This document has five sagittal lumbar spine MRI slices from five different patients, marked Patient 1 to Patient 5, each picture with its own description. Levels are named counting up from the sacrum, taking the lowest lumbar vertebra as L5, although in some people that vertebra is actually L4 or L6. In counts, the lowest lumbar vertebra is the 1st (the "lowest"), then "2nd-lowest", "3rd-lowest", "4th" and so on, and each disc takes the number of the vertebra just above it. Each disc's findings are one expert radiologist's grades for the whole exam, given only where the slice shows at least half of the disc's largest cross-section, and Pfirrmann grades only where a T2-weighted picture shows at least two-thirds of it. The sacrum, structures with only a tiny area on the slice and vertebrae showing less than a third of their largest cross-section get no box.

Patient 1 of 5:
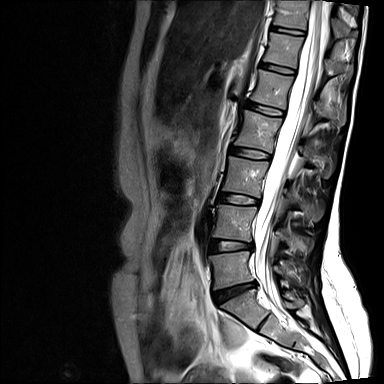 Lumbar spine MR, T2-weighted, sagittal

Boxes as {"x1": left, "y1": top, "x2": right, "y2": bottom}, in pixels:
- 6th disc: {"x1": 260, "y1": 63, "x2": 293, "y2": 73}
- 5th vertebra: {"x1": 251, "y1": 69, "x2": 346, "y2": 126}
- 7th vertebra: {"x1": 272, "y1": 0, "x2": 358, "y2": 37}
- 5th disc: {"x1": 246, "y1": 100, "x2": 282, "y2": 115}
- 7th disc: {"x1": 270, "y1": 26, "x2": 304, "y2": 34}
- 2nd-lowest vertebra: {"x1": 212, "y1": 203, "x2": 312, "y2": 254}
- 4th vertebra: {"x1": 234, "y1": 110, "x2": 332, "y2": 176}
- lowest vertebra: {"x1": 209, "y1": 250, "x2": 302, "y2": 288}
- 3rd-lowest vertebra: {"x1": 223, "y1": 155, "x2": 324, "y2": 220}
- 3rd-lowest disc: {"x1": 218, "y1": 193, "x2": 258, "y2": 204}
- 2nd-lowest disc: {"x1": 210, "y1": 238, "x2": 251, "y2": 250}
- 6th vertebra: {"x1": 263, "y1": 32, "x2": 353, "y2": 74}
- 4th disc: {"x1": 230, "y1": 146, "x2": 269, "y2": 159}
- thecal sac / spinal canal: {"x1": 254, "y1": 0, "x2": 330, "y2": 298}
- lowest disc: {"x1": 215, "y1": 283, "x2": 256, "y2": 298}

Degenerative findings by level:
• 7th disc: Pfirrmann grade 2
• 3rd-lowest disc: Pfirrmann grade 2
• 6th disc: Pfirrmann grade 2
• 2nd-lowest disc: Pfirrmann grade 3, disc narrowing
• 4th disc: Pfirrmann grade 2
• lowest disc: Pfirrmann grade 4, Modic type II, disc bulging, disc narrowing, disc herniation
• 5th disc: Pfirrmann grade 2

Patient 2 of 5:
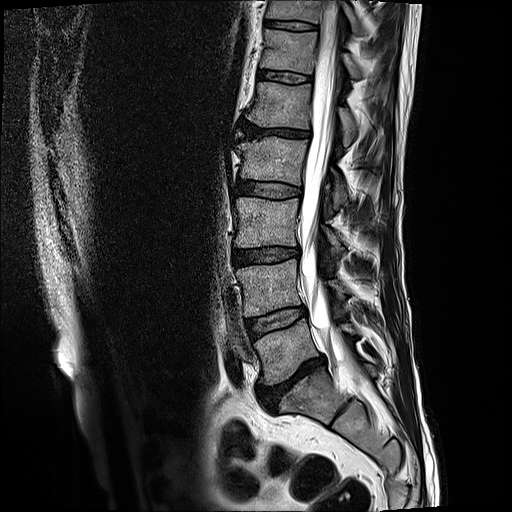

T2-weighted sagittal MRI of the lumbar spine.

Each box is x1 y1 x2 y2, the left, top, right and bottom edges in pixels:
L4 — 236 258 346 315.
L1 — 246 81 356 145.
T12/L1 — 258 68 310 81.
T11/T12 — 265 20 315 29.
Spinal canal — 298 0 353 369.
IVD L1/L2 — 242 121 309 137.
IVD L3/L4 — 233 246 300 265.
L5 vertebra — 254 318 355 385.
IVD L4/L5 — 245 306 305 337.
T12 — 260 29 361 77.
L2 — 236 136 346 209.
L2/L3 — 234 178 301 197.
L3 — 234 197 343 253.
T11 vertebra — 266 0 358 30.
IVD L5/S1 — 257 355 325 408.

Radiological gradings:
• T11/T12: Pfirrmann grade 3, lower-endplate change, upper-endplate change
• L1/L2: Pfirrmann grade 5, lower-endplate change, Modic type II, upper-endplate change, disc narrowing, disc bulging
• L5/S1: Pfirrmann grade 5, Modic type II, upper-endplate change, disc bulging, disc narrowing, lower-endplate change
• L3/L4: Pfirrmann grade 3, lower-endplate change, upper-endplate change, disc bulging
• T12/L1: Pfirrmann grade 3
• L4/L5: Pfirrmann grade 3, Modic type II
• L2/L3: Pfirrmann grade 3

Patient 3 of 5:
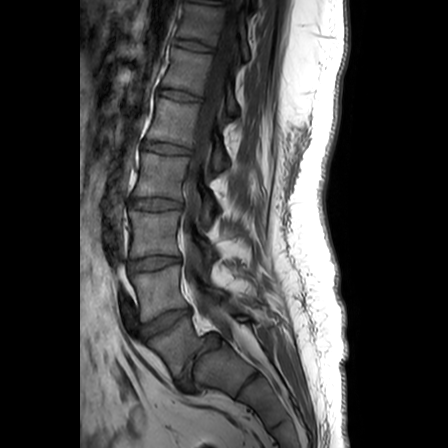 T1-weighted sagittal MRI of the lumbar spine | Field of view 280x280 mm | Image 448x448

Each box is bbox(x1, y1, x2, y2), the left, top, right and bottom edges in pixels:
Structures:
* 5th disc at bbox(145, 142, 190, 154)
* 4th disc at bbox(130, 198, 181, 210)
* 7th vertebra at bbox(177, 3, 249, 59)
* lowest disc at bbox(177, 334, 220, 388)
* 2nd-lowest vertebra at bbox(131, 265, 227, 321)
* 7th disc at bbox(175, 39, 212, 51)
* 5th vertebra at bbox(148, 98, 228, 169)
* lowest vertebra at bbox(148, 311, 253, 378)
* spinal canal at bbox(181, 2, 243, 347)
* 6th disc at bbox(159, 89, 200, 100)
* 3rd-lowest disc at bbox(129, 256, 180, 272)
* 2nd-lowest disc at bbox(142, 308, 191, 338)
* 4th vertebra at bbox(134, 152, 215, 223)
* 3rd-lowest vertebra at bbox(129, 210, 217, 257)
* 6th vertebra at bbox(162, 48, 238, 113)

Radiological gradings:
  lowest disc: disc narrowing, lower-endplate change, disc bulging, spondylolisthesis
  2nd-lowest disc: disc bulging
  6th disc, 5th disc, 7th disc, 4th disc, 3rd-lowest disc: no Modic or endplate change, herniation, narrowing, bulging or spondylolisthesis recorded

Patient 4 of 5:
Field of view 240x300 mm, slice spacing 0.9 mm | Image 512x640 | Sagittal T2 SPACE (3D) lumbar spine MRI
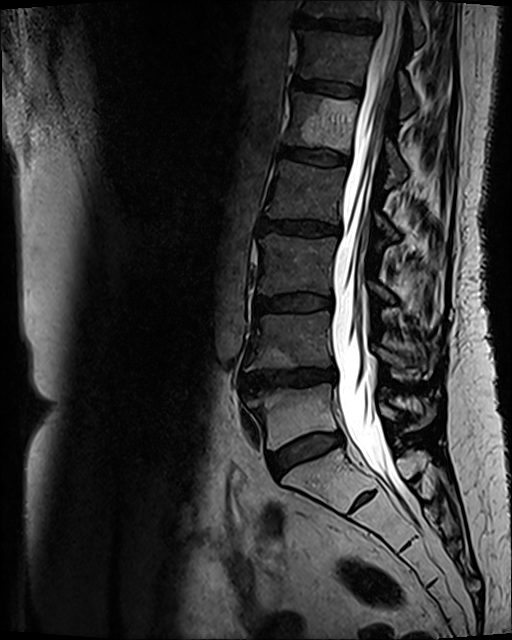

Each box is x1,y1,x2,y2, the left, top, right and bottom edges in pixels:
IVD L5/S1 (lowest disc) at 269,432,343,475; L1 (5th vertebra) at 285,92,407,188; L2 (4th vertebra) at 266,161,396,246; L3/L4 (3rd-lowest disc) at 256,296,331,312; IVD T12/L1 (6th disc) at 293,79,361,96; L1/L2 (5th disc) at 280,148,348,164; spinal canal at 331,0,405,489; T11 (7th vertebra) at 303,0,423,45; T12 (6th vertebra) at 300,31,415,117; L4 (2nd-lowest vertebra) at 244,311,436,371; L2/L3 (4th disc) at 260,221,339,235; IVD T11/T12 (7th disc) at 299,17,377,33; L5 (lowest vertebra) at 247,384,436,448; L3 (3rd-lowest vertebra) at 258,234,394,302; L4/L5 (2nd-lowest disc) at 242,367,335,394.

Degenerative findings by level:
  L2/L3 (4th disc): Pfirrmann grade 3, disc bulging, Modic type II
  L5/S1 (lowest disc): Pfirrmann grade 3, Modic type II, disc bulging
  L4/L5 (2nd-lowest disc): Pfirrmann grade 4, Modic type II, disc bulging, lower-endplate change, disc narrowing, upper-endplate change
  L3/L4 (3rd-lowest disc): Pfirrmann grade 3, disc bulging, Modic type II
  L1/L2 (5th disc): Pfirrmann grade 3, Modic type II
  T11/T12 (7th disc): Pfirrmann grade 4, upper-endplate change, lower-endplate change, Modic type II
  T12/L1 (6th disc): Pfirrmann grade 3, Modic type II

Patient 5 of 5:
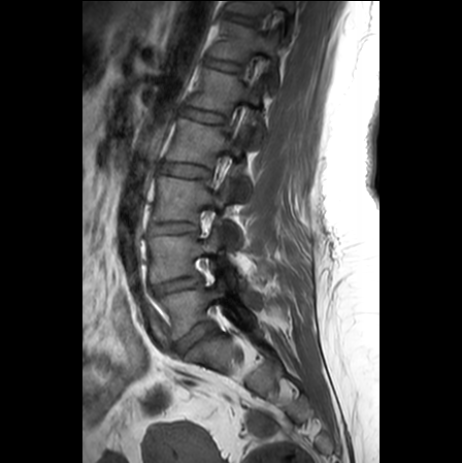 Slice 17 of 24. Sagittal T1-weighted lumbar spine MRI.
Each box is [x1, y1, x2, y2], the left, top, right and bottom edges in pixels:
T12 — [210, 20, 277, 91].
Intervertebral disc T12/L1 — [206, 58, 241, 71].
L4/L5 — [151, 275, 201, 296].
L3 — [154, 176, 241, 249].
L5/S1 — [177, 322, 215, 353].
L3/L4 — [150, 223, 197, 233].
Intervertebral disc L2/L3 — [162, 161, 210, 177].
T11 vertebra — [230, 1, 293, 33].
L5 vertebra — [159, 282, 257, 338].
T11/T12 — [228, 14, 256, 23].
L4 vertebra — [150, 232, 236, 286].
Intervertebral disc L1/L2 — [183, 107, 224, 123].
L1 vertebra — [190, 68, 266, 147].
L2 — [166, 118, 250, 200].

Radiological gradings:
  L5/S1: disc bulging, disc narrowing
  L4/L5: disc bulging, disc narrowing
  L2/L3, L3/L4, L1/L2, T12/L1: no spondylolisthesis, narrowing, bulging, herniation, Modic or endplate change recorded